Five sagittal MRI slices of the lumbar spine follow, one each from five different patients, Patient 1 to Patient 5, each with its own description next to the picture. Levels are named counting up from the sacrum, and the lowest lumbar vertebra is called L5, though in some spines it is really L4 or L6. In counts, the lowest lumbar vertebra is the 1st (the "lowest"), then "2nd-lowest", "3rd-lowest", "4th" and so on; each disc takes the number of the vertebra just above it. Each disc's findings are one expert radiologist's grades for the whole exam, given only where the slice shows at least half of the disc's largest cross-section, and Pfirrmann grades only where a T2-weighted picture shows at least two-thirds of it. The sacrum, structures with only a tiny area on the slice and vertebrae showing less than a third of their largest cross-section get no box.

Patient 1 of 5:
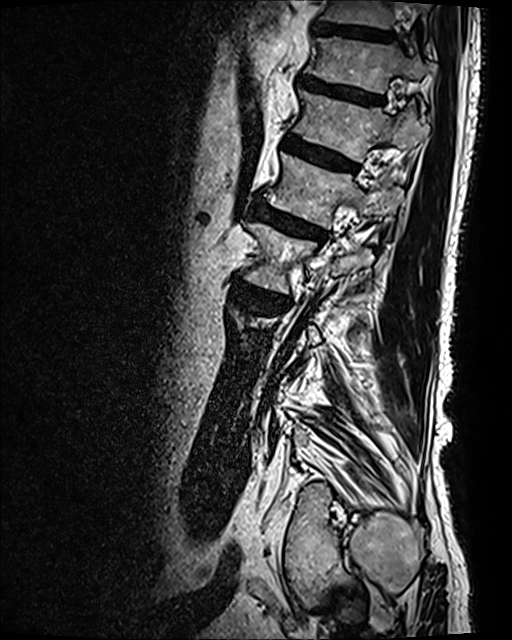
Slice spacing 0.9 mm, MRI lumbar spine (T2 SPACE (3D)), sagittal plane, Image 512x640
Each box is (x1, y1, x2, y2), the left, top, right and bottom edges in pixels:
IVD L2/L3 (4th disc) at (235, 280, 288, 308) | T10/T11 (8th disc) at (313, 22, 394, 41) | L2 (4th vertebra) at (243, 222, 373, 292) | T10 (8th vertebra) at (320, 0, 396, 29) | L1 (5th vertebra) at (266, 154, 403, 228) | T12/L1 (6th disc) at (283, 134, 357, 172) | L1/L2 (5th disc) at (255, 199, 328, 240) | T11 (7th vertebra) at (304, 38, 428, 92) | T12 (6th vertebra) at (294, 90, 428, 161) | IVD T11/T12 (7th disc) at (299, 73, 382, 102)

Expert MSK radiologist gradings (per disc):
- L2/L3 (4th disc): disc narrowing, Modic type I, upper-endplate change, disc bulging, lower-endplate change
- T10/T11 (8th disc): Pfirrmann grade 3
- L1/L2 (5th disc): Pfirrmann grade 4, upper-endplate change, disc bulging, Modic type II, lower-endplate change
- T11/T12 (7th disc): Pfirrmann grade 4, disc bulging, lower-endplate change, upper-endplate change
- T12/L1 (6th disc): Pfirrmann grade 4, lower-endplate change, disc bulging, Modic type II, upper-endplate change

Patient 2 of 5:
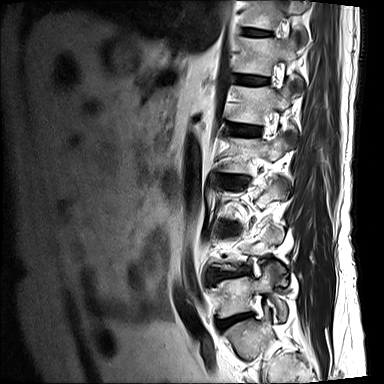
Patient sex: M. Sagittal T2-weighted lumbar spine MRI.

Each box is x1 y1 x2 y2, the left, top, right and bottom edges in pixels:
T11 = 243 0 309 46.
L2 vertebra = 224 134 288 173.
T12 = 236 35 302 89.
Disc T11/T12 = 243 29 270 35.
Disc T12/L1 = 236 75 266 85.
L5/S1 = 218 313 251 328.
L5 = 209 263 287 321.
L1 = 229 82 293 124.
Disc L4/L5 = 214 271 234 281.
Disc L2/L3 = 222 175 242 186.
L1/L2 = 229 123 259 136.

Degenerative findings by level:
• L1/L2, T12/L1, T11/T12: no herniation, bulging, narrowing, spondylolisthesis, endplate or Modic change recorded

Patient 3 of 5:
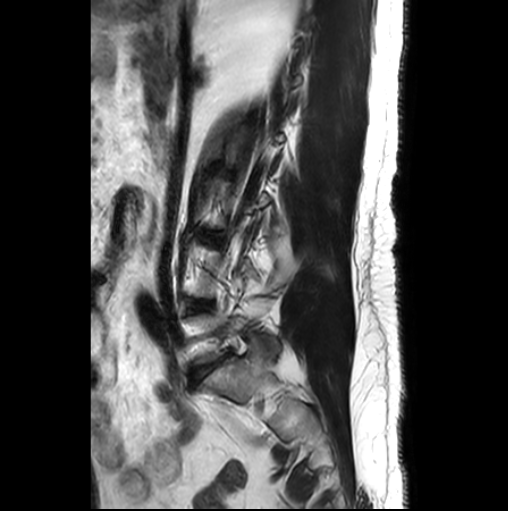 508x511 px, Sagittal slice index 5, Lumbar spine MR, T2-weighted, sagittal
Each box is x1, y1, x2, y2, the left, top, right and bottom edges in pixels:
Segmented structures:
• intervertebral disc L4/L5 at 194, 301, 208, 308
• intervertebral disc L5/S1 at 191, 361, 219, 384

Patient 4 of 5:
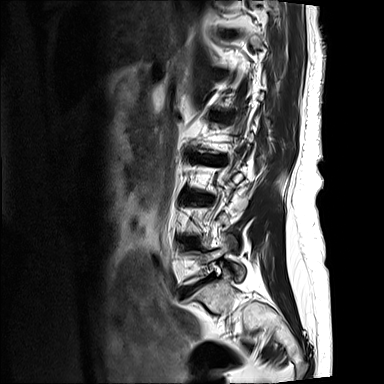 Sex F; Lumbar spine MR, T2-weighted, sagittal

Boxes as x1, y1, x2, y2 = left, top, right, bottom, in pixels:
Disc L2/L3 (4th disc) at 194, 154, 221, 161; L5 (lowest vertebra) at 186, 234, 244, 283; L5/S1 (lowest disc) at 188, 275, 214, 289; disc L4/L5 (2nd-lowest disc) at 188, 238, 197, 247.

Patient 5 of 5:
Philips Healthcare Ingenia (3T); Lumbar spine MR, T1-weighted, sagittal

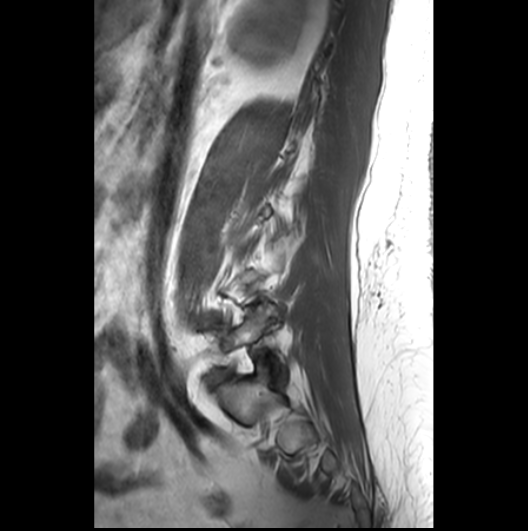 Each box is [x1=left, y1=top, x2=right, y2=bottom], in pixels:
lowest vertebra: [x1=220, y1=305, x2=285, y2=379]
lowest disc: [x1=213, y1=372, x2=229, y2=385]